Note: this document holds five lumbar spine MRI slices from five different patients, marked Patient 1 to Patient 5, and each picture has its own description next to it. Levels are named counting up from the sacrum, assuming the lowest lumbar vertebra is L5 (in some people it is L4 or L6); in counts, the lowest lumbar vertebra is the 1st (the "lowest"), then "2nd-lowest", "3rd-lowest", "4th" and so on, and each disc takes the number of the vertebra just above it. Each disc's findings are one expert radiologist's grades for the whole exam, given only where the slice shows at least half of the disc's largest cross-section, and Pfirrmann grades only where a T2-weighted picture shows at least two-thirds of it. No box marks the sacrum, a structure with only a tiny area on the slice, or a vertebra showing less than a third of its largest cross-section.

Patient 1 of 5:
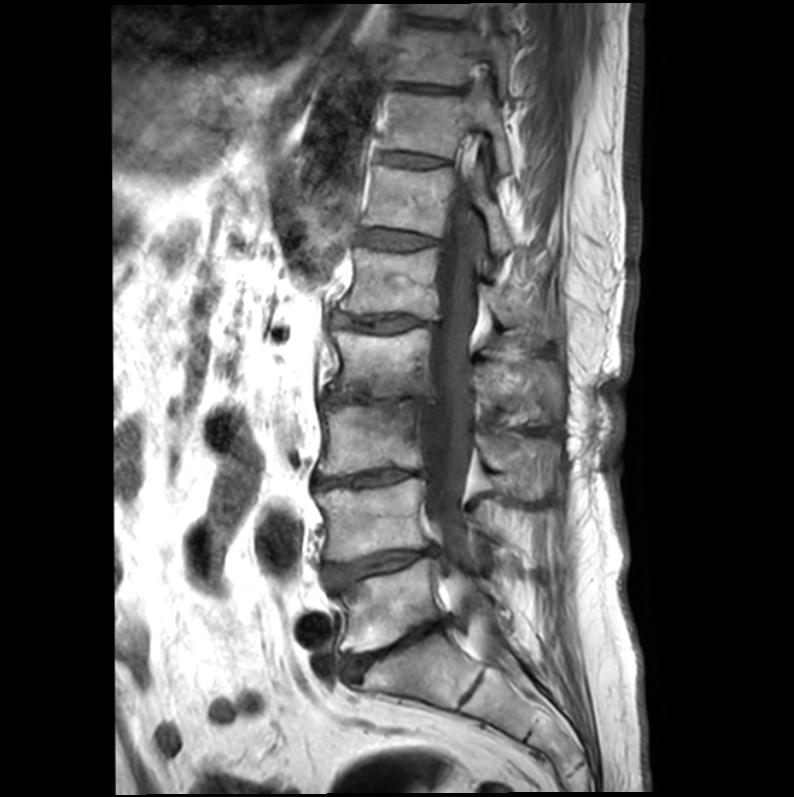
MRI lumbar spine (T1-weighted), sagittal plane | Sagittal slice index 11

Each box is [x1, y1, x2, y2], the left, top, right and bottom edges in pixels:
L5 vertebra = [336, 557, 505, 652] | L3 = [316, 402, 557, 501] | T11/T12 = [380, 153, 446, 168] | T12 vertebra = [362, 165, 514, 253] | thecal sac / spinal canal = [419, 168, 496, 660] | L4 = [315, 478, 546, 561] | T9 = [412, 1, 512, 22] | IVD T12/L1 = [360, 229, 435, 250] | IVD L1/L2 = [332, 314, 423, 332] | IVD L2/L3 = [323, 391, 429, 409] | L5/S1 = [344, 621, 444, 676] | IVD L3/L4 = [314, 467, 426, 488] | L4/L5 = [321, 546, 438, 590] | T10 = [392, 27, 514, 93] | L2 vertebra = [329, 330, 561, 422] | T11 = [380, 88, 510, 174] | IVD T10/T11 = [398, 85, 453, 92] | IVD T9/T10 = [414, 20, 455, 27] | L1 = [339, 247, 512, 326]

Per-level radiological findings:
• L5/S1: Modic type II, upper-endplate change, lower-endplate change, disc narrowing, disc bulging
• L1/L2: disc narrowing, lower-endplate change, upper-endplate change, Modic type II, disc bulging
• L3/L4: disc bulging, upper-endplate change, lower-endplate change, Modic type II, disc narrowing
• L2/L3: Modic type II, disc narrowing, upper-endplate change, lower-endplate change, disc bulging
• L4/L5: lower-endplate change, upper-endplate change, disc bulging, disc narrowing, Modic type II
• T11/T12, T12/L1: no herniation, bulging, narrowing, spondylolisthesis, endplate or Modic change recorded

Patient 2 of 5:
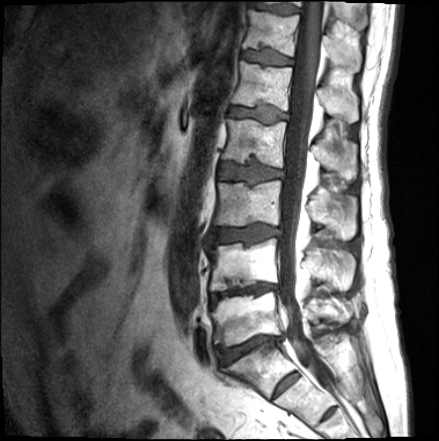 Sex M, MRI lumbar spine (T1-weighted), sagittal plane, Image 439x441
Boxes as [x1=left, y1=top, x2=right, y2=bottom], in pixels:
T12 — [x1=243, y1=10, x2=362, y2=71].
Thecal sac / spinal canal — [x1=279, y1=0, x2=329, y2=389].
Disc T11/T12 — [x1=249, y1=2, x2=299, y2=14].
L3/L4 — [x1=211, y1=224, x2=279, y2=244].
L2 — [x1=221, y1=119, x2=357, y2=179].
Disc T12/L1 — [x1=241, y1=50, x2=292, y2=64].
L1 vertebra — [x1=231, y1=61, x2=358, y2=122].
L1/L2 — [x1=229, y1=106, x2=286, y2=123].
L2/L3 — [x1=219, y1=163, x2=283, y2=182].
T11 — [x1=265, y1=1, x2=367, y2=29].
L5 vertebra — [x1=211, y1=292, x2=352, y2=347].
Disc L4/L5 — [x1=210, y1=283, x2=277, y2=304].
L4 — [x1=209, y1=238, x2=355, y2=292].
L5/S1 — [x1=219, y1=336, x2=283, y2=365].
L3 vertebra — [x1=214, y1=180, x2=356, y2=239].

Expert MSK radiologist gradings (per disc):
- T12/L1: upper-endplate change, lower-endplate change
- L1/L2: upper-endplate change, lower-endplate change
- L3/L4: upper-endplate change, lower-endplate change, disc bulging
- L2/L3: upper-endplate change, lower-endplate change
- L4/L5: Modic type II, upper-endplate change, disc bulging, disc narrowing, lower-endplate change
- L5/S1: lower-endplate change, disc narrowing, Modic type II, upper-endplate change, disc bulging
- T11/T12: no Modic or endplate change, herniation, narrowing, bulging or spondylolisthesis recorded

Patient 3 of 5:
MRI lumbar spine (T2-weighted), sagittal plane 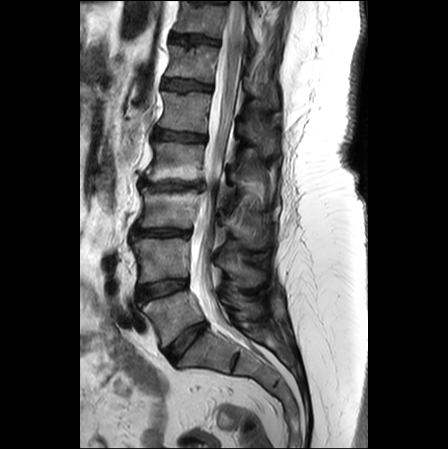 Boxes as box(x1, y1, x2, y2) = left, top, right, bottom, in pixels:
L3 (3rd-lowest vertebra): box(138, 186, 267, 247).
L5 (lowest vertebra): box(142, 290, 259, 346).
L2 (4th vertebra): box(147, 142, 269, 196).
IVD L3/L4 (3rd-lowest disc): box(132, 227, 190, 239).
Thecal sac / spinal canal: box(190, 0, 245, 322).
IVD L1/L2 (5th disc): box(153, 129, 205, 141).
L1 (5th vertebra): box(158, 92, 276, 155).
T11/T12 (7th disc): box(171, 34, 218, 43).
T12 (6th vertebra): box(166, 45, 258, 98).
T11 (7th vertebra): box(176, 2, 257, 48).
L4 (2nd-lowest vertebra): box(131, 238, 264, 286).
L4/L5 (2nd-lowest disc): box(137, 279, 187, 301).
IVD T12/L1 (6th disc): box(163, 79, 211, 89).
IVD L5/S1 (lowest disc): box(165, 322, 206, 362).
L2/L3 (4th disc): box(139, 179, 204, 189).

Expert MSK radiologist gradings (per disc):
  L3/L4 (3rd-lowest disc): Pfirrmann grade 4, upper-endplate change, disc bulging, disc narrowing, lower-endplate change
  T11/T12 (7th disc): Pfirrmann grade 3, upper-endplate change
  L2/L3 (4th disc): Pfirrmann grade 5, disc herniation, lower-endplate change, Modic type II, upper-endplate change, disc narrowing
  T12/L1 (6th disc): Pfirrmann grade 2, upper-endplate change
  L5/S1 (lowest disc): Pfirrmann grade 2, disc bulging
  L1/L2 (5th disc): Pfirrmann grade 2, disc bulging
  L4/L5 (2nd-lowest disc): Pfirrmann grade 2, disc bulging, lower-endplate change, Modic type II, upper-endplate change

Patient 4 of 5:
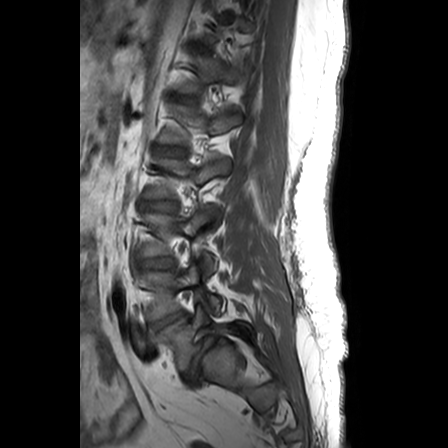 Sagittal T1-weighted lumbar spine MRI
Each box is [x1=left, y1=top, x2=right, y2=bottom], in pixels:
IVD L3/L4: [x1=137, y1=258, x2=172, y2=270] | L1 vertebra: [x1=158, y1=103, x2=240, y2=144] | IVD L2/L3: [x1=141, y1=200, x2=175, y2=210] | T12: [x1=172, y1=56, x2=246, y2=94] | T12/L1: [x1=172, y1=94, x2=195, y2=101] | L2 vertebra: [x1=145, y1=158, x2=230, y2=198] | L4/L5: [x1=149, y1=311, x2=185, y2=333] | L4 vertebra: [x1=140, y1=263, x2=221, y2=320] | IVD L5/S1: [x1=185, y1=337, x2=216, y2=381] | L5 vertebra: [x1=156, y1=305, x2=250, y2=371] | L3: [x1=139, y1=205, x2=216, y2=271] | IVD L1/L2: [x1=156, y1=146, x2=184, y2=153]

Radiological gradings:
• L5/S1: disc bulging, disc narrowing, spondylolisthesis, lower-endplate change
• L3/L4, L2/L3: no herniation, bulging, narrowing, spondylolisthesis, endplate or Modic change recorded

Patient 5 of 5:
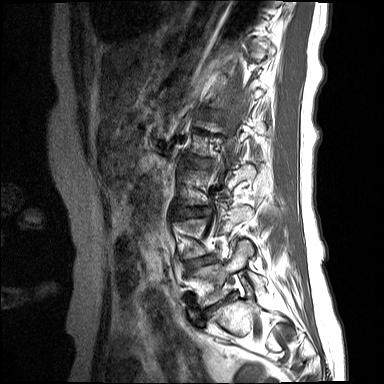

Lumbar spine MR, T1-weighted, sagittal; Slice spacing 4.4 mm; Image 384x384; Sex F
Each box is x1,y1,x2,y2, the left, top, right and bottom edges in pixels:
{"3rd-lowest disc": "181,209,209,215", "lowest disc": "204,295,232,313", "lowest vertebra": "192,240,261,307", "4th disc": "191,160,211,165", "2nd-lowest disc": "186,256,215,270"}

Expert MSK radiologist gradings (per disc):
- lowest disc: disc narrowing, lower-endplate change, disc bulging, Modic type II, upper-endplate change